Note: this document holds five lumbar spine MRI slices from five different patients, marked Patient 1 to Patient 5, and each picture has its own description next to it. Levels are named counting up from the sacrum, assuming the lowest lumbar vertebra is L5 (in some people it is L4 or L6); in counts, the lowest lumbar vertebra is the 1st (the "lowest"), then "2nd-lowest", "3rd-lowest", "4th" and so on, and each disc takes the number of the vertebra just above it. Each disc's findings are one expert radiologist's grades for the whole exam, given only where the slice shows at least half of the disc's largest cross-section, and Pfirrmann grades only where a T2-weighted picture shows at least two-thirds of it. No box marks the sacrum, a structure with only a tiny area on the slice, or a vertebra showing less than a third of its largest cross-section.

Patient 1 of 5:
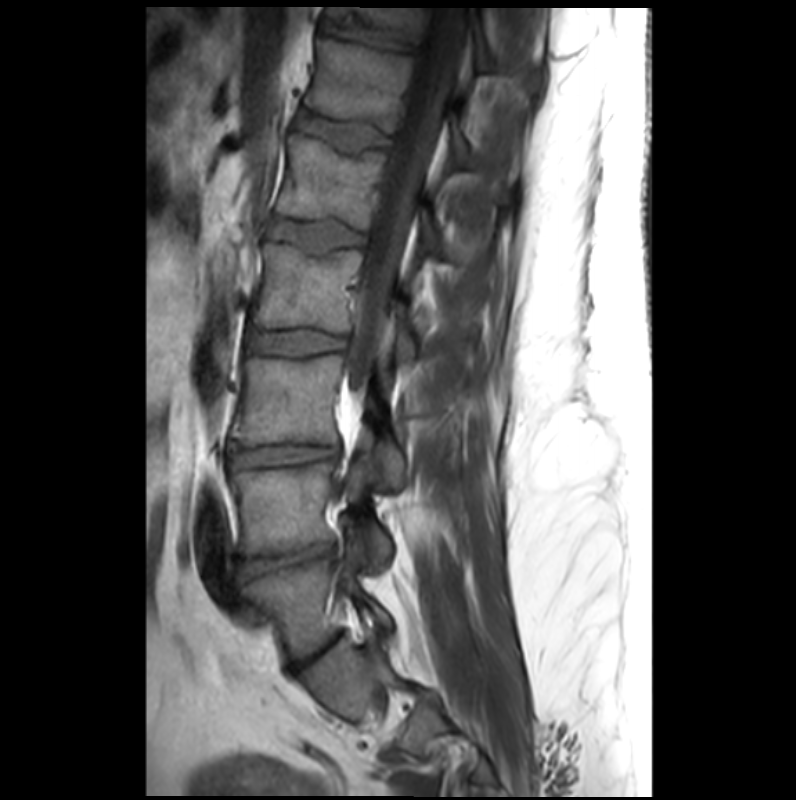

Lumbar spine MR, T1-weighted, sagittal.
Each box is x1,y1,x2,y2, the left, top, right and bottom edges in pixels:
T12 vertebra: 304,38,489,171.
L2: 250,242,431,352.
Disc L4/L5: 242,542,334,577.
Disc L2/L3: 248,328,345,356.
Disc L1/L2: 270,219,364,254.
T11: 329,6,493,72.
L4: 231,461,391,568.
L3 vertebra: 232,355,406,488.
L5 vertebra: 241,532,395,658.
L3/L4: 231,445,337,464.
Disc L5/S1: 288,630,344,671.
Disc T11/T12: 322,21,414,51.
Disc T12/L1: 295,113,389,151.
Thecal sac / spinal canal: 347,8,464,393.
L1: 277,134,456,262.

Degenerative findings by level:
• T11/T12: lower-endplate change
• T12/L1: lower-endplate change, upper-endplate change
• L1/L2: lower-endplate change, upper-endplate change
• L4/L5: disc narrowing, spondylolisthesis, disc herniation, upper-endplate change, Modic type III, lower-endplate change
• L2/L3, L3/L4: no herniation, bulging, narrowing, spondylolisthesis, endplate or Modic change recorded

Patient 2 of 5:
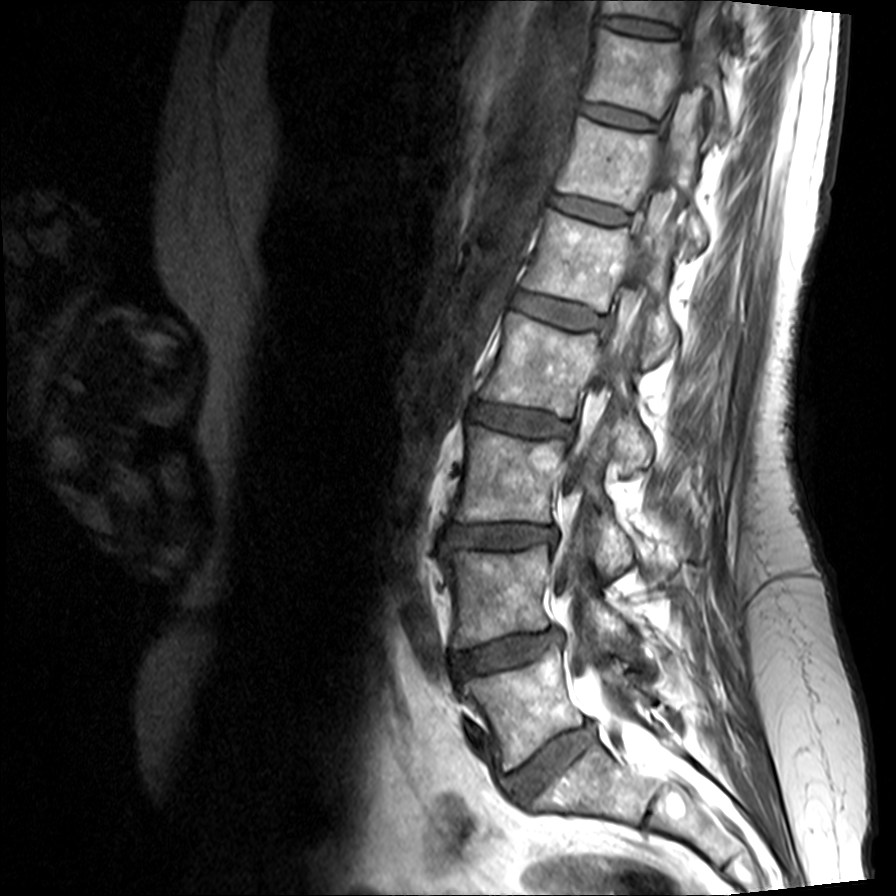 Lumbar spine MR, T1-weighted, sagittal, Field of view 280x280 mm, slice spacing 4.4 mm, Sagittal slice index 8

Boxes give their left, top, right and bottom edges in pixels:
{"L3/L4": "left=446, top=523, right=556, bottom=548", "L1/L2": "left=513, top=293, right=601, bottom=328", "disc T11/T12": "left=584, top=102, right=656, bottom=128", "L4 vertebra": "left=446, top=544, right=630, bottom=648", "disc L5/S1": "left=503, top=725, right=595, bottom=803", "L3 vertebra": "left=455, top=425, right=633, bottom=576", "L1": "left=524, top=210, right=678, bottom=368", "T10/T11": "left=601, top=16, right=679, bottom=38", "T11 vertebra": "left=588, top=29, right=731, bottom=137", "T12 vertebra": "left=559, top=118, right=708, bottom=250", "L4/L5": "left=453, top=629, right=562, bottom=677", "disc T12/L1": "left=553, top=195, right=627, bottom=223", "spinal canal": "left=555, top=0, right=723, bottom=876", "T10 vertebra": "left=605, top=0, right=754, bottom=27", "L5": "left=463, top=648, right=643, bottom=769", "L2/L3": "left=471, top=402, right=574, bottom=438", "L2": "left=482, top=312, right=654, bottom=471"}

Radiological gradings:
• L3/L4: upper-endplate change, disc narrowing, disc bulging, lower-endplate change
• L2/L3: disc bulging
• L5/S1: disc narrowing, disc bulging
• L4/L5: Modic type II, disc bulging, disc narrowing, disc herniation
• T10/T11, T11/T12, L1/L2, T12/L1: no Modic or endplate change, herniation, narrowing, bulging or spondylolisthesis recorded

Patient 3 of 5:
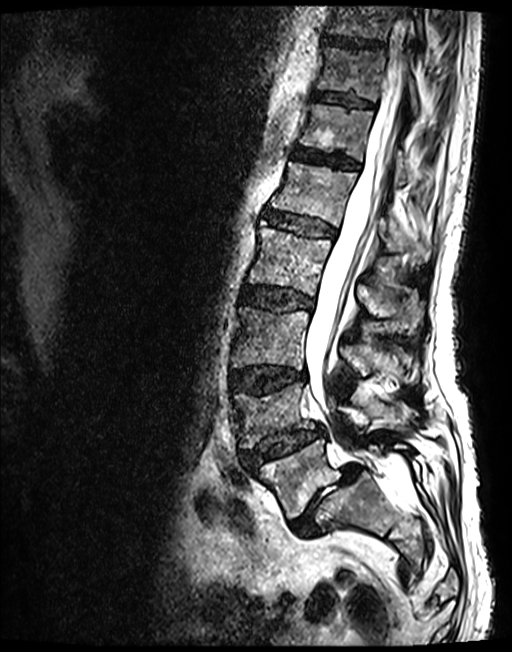
MRI lumbar spine (T2 SPACE (3D)), sagittal plane; Slice spacing 0.9 mm; Sex M
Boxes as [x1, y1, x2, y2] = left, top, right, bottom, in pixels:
L4 vertebra at [231, 385, 409, 448], intervertebral disc L5/S1 at [291, 464, 359, 535], T10 vertebra at [327, 6, 422, 41], T12 at [300, 104, 406, 184], T11 at [318, 47, 417, 115], L1 vertebra at [271, 161, 429, 261], intervertebral disc T10/T11 at [323, 35, 384, 48], L3/L4 at [230, 366, 305, 393], L4/L5 at [242, 427, 324, 468], L3 vertebra at [231, 307, 411, 389], T12/L1 at [292, 147, 359, 169], spinal canal at [305, 50, 402, 470], L5 at [254, 439, 411, 518], T11/T12 at [312, 92, 372, 107], intervertebral disc L1/L2 at [266, 212, 334, 237], L2 at [248, 223, 423, 328], intervertebral disc L2/L3 at [242, 286, 311, 311].

Degenerative findings by level:
- T11/T12: Pfirrmann grade 3
- T10/T11: Pfirrmann grade 3
- L2/L3: Pfirrmann grade 3, disc bulging
- L5/S1: Pfirrmann grade 5, Modic type II, spondylolisthesis, disc narrowing, disc herniation
- L1/L2: Pfirrmann grade 3
- L4/L5: Pfirrmann grade 3, spondylolisthesis, disc narrowing, disc herniation, lower-endplate change, upper-endplate change
- L3/L4: Pfirrmann grade 3, upper-endplate change, disc bulging, lower-endplate change
- T12/L1: Pfirrmann grade 3

Patient 4 of 5:
MRI lumbar spine (T2-weighted), sagittal plane. 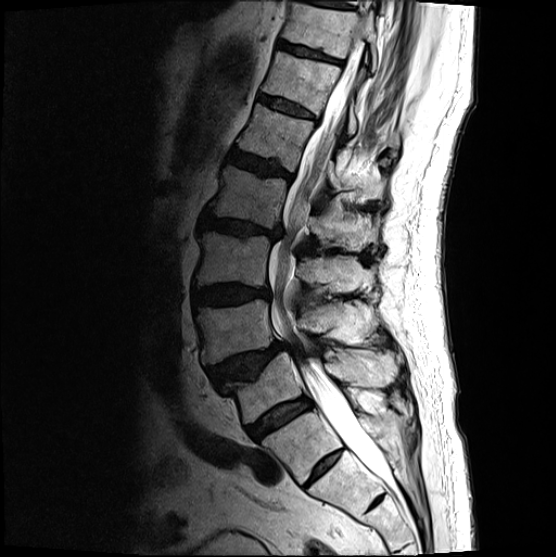
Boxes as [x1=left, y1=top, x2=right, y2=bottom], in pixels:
2nd-lowest disc at [x1=207, y1=341, x2=289, y2=387].
3rd-lowest disc at [x1=192, y1=284, x2=270, y2=307].
5th disc at [x1=228, y1=149, x2=293, y2=179].
2nd-lowest vertebra at [x1=195, y1=299, x2=377, y2=364].
4th disc at [x1=199, y1=212, x2=281, y2=239].
6th disc at [x1=257, y1=94, x2=316, y2=118].
Lowest disc at [x1=246, y1=396, x2=312, y2=439].
Lowest vertebra at [x1=226, y1=352, x2=397, y2=423].
Thecal sac / spinal canal at [x1=268, y1=37, x2=389, y2=479].
3rd-lowest vertebra at [x1=195, y1=231, x2=376, y2=292].
5th vertebra at [x1=238, y1=104, x2=384, y2=202].
7th vertebra at [x1=282, y1=1, x2=377, y2=71].
4th vertebra at [x1=208, y1=165, x2=380, y2=251].
7th disc at [x1=277, y1=40, x2=341, y2=64].
6th vertebra at [x1=263, y1=51, x2=398, y2=147].

Expert MSK radiologist gradings (per disc):
  3rd-lowest disc: Pfirrmann grade 4, disc bulging
  lowest disc: Pfirrmann grade 4
  5th disc: Pfirrmann grade 4, disc bulging, upper-endplate change, lower-endplate change
  2nd-lowest disc: Pfirrmann grade 4, spondylolisthesis, disc herniation, upper-endplate change
  4th disc: Pfirrmann grade 4, disc narrowing, upper-endplate change, lower-endplate change, disc bulging
  7th disc: Pfirrmann grade 3, lower-endplate change
  6th disc: Pfirrmann grade 3

Patient 5 of 5:
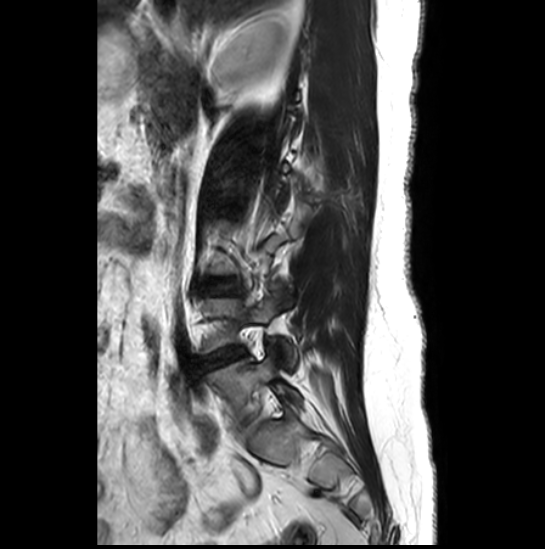
Slice 7/27, Lumbar spine MR, T2-weighted, sagittal, Sex F

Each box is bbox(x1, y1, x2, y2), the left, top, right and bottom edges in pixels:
2nd-lowest disc = bbox(199, 347, 245, 367).
2nd-lowest vertebra = bbox(201, 292, 295, 367).
Lowest vertebra = bbox(207, 353, 302, 419).
3rd-lowest disc = bbox(198, 283, 236, 294).